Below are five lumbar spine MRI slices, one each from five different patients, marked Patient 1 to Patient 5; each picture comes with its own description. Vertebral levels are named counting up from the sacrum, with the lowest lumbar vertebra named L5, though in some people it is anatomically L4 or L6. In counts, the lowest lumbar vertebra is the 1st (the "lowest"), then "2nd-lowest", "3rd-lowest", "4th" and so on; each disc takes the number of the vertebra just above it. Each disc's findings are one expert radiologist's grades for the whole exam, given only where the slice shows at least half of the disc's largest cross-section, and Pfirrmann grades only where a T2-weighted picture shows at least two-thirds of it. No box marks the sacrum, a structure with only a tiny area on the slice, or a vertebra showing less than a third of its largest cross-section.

Patient 1 of 5:
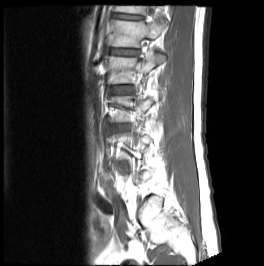 T1-weighted sagittal MRI of the lumbar spine, Sagittal slice index 6, 264x266 px

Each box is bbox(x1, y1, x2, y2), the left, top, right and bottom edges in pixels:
4th vertebra — bbox(105, 51, 165, 83).
5th disc — bbox(110, 49, 137, 54).
6th vertebra — bbox(114, 6, 145, 14).
6th disc — bbox(113, 14, 142, 19).
5th vertebra — bbox(109, 17, 163, 47).
4th disc — bbox(112, 86, 130, 93).

Per-level radiological findings:
- 6th disc: lower-endplate change, upper-endplate change
- 5th disc: upper-endplate change, Modic type II, lower-endplate change

Patient 2 of 5:
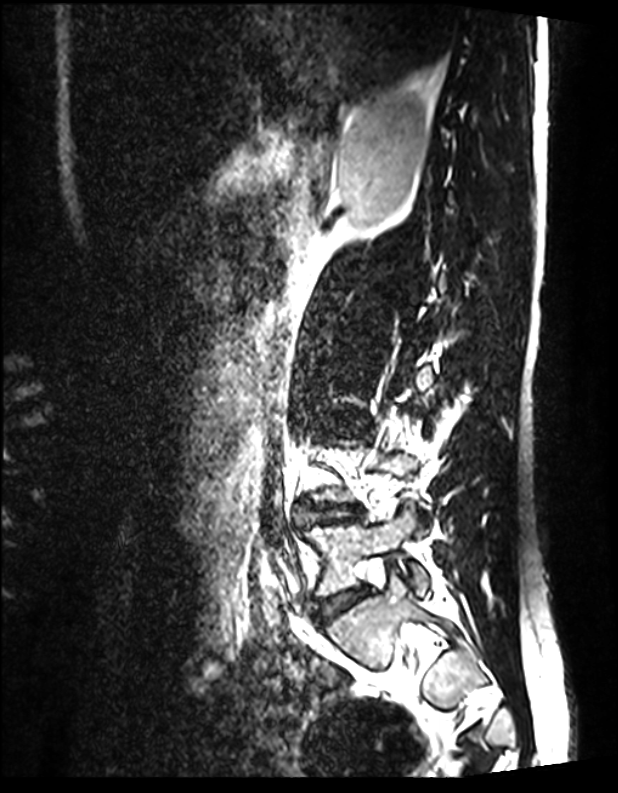 T2 SPACE (3D) sagittal MRI of the lumbar spine. Field of view 240x308 mm. Slice 44/144.

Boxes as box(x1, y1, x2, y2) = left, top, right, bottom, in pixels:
Annotations:
* L5/S1 (lowest disc) — box(320, 586, 366, 621)
* L4/L5 (2nd-lowest disc) — box(309, 504, 354, 522)
* L5 (lowest vertebra) — box(307, 505, 428, 595)

Patient 3 of 5:
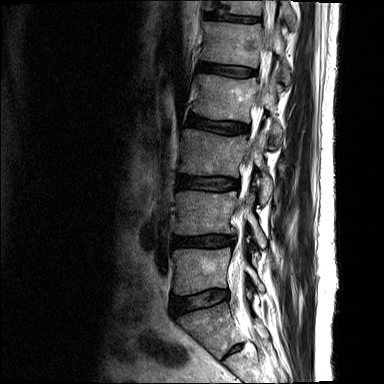 MRI lumbar spine (T2-weighted), sagittal plane | Slice 7 of 16
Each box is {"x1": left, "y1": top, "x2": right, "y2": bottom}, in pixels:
T12 vertebra: {"x1": 205, "y1": 0, "x2": 296, "y2": 28}
L1: {"x1": 203, "y1": 22, "x2": 290, "y2": 84}
L4: {"x1": 175, "y1": 191, "x2": 266, "y2": 257}
disc L5/S1: {"x1": 171, "y1": 291, "x2": 228, "y2": 315}
L3: {"x1": 179, "y1": 129, "x2": 272, "y2": 204}
disc L4/L5: {"x1": 173, "y1": 236, "x2": 233, "y2": 246}
L1/L2: {"x1": 200, "y1": 63, "x2": 254, "y2": 76}
L3/L4: {"x1": 177, "y1": 175, "x2": 238, "y2": 190}
L2: {"x1": 193, "y1": 70, "x2": 282, "y2": 145}
L5: {"x1": 173, "y1": 248, "x2": 264, "y2": 294}
L2/L3: {"x1": 187, "y1": 114, "x2": 247, "y2": 133}
T12/L1: {"x1": 205, "y1": 12, "x2": 258, "y2": 22}

Radiological gradings:
  T12/L1: Pfirrmann grade 3, upper-endplate change, lower-endplate change
  L4/L5: Pfirrmann grade 3, disc herniation, disc narrowing, disc bulging
  L3/L4: Pfirrmann grade 3, upper-endplate change
  L2/L3: Pfirrmann grade 3, upper-endplate change
  L5/S1: Pfirrmann grade 3, disc bulging
  L1/L2: Pfirrmann grade 3, upper-endplate change

Patient 4 of 5:
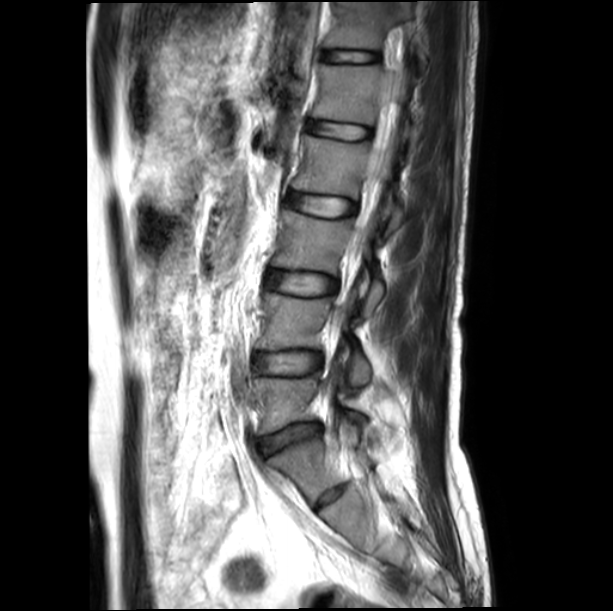

T2-weighted sagittal MRI of the lumbar spine

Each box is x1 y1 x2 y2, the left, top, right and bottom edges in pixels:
- L5 = 255 375 361 433
- T12 = 325 2 427 72
- L1/L2 = 306 121 371 139
- L4 vertebra = 256 292 370 385
- L4/L5 = 255 351 322 374
- L2 vertebra = 293 135 404 234
- disc L5/S1 = 262 424 319 453
- disc L3/L4 = 265 270 337 295
- thecal sac / spinal canal = 353 86 397 257
- L1 = 311 64 421 155
- L2/L3 = 288 192 356 217
- T12/L1 = 324 50 378 62
- L3 = 271 210 383 318

Expert MSK radiologist gradings (per disc):
  L2/L3: Pfirrmann grade 1
  L1/L2: Pfirrmann grade 1
  T12/L1: Pfirrmann grade 1
  L5/S1: disc bulging, disc narrowing
  L4/L5: Pfirrmann grade 1
  L3/L4: Pfirrmann grade 1

Patient 5 of 5:
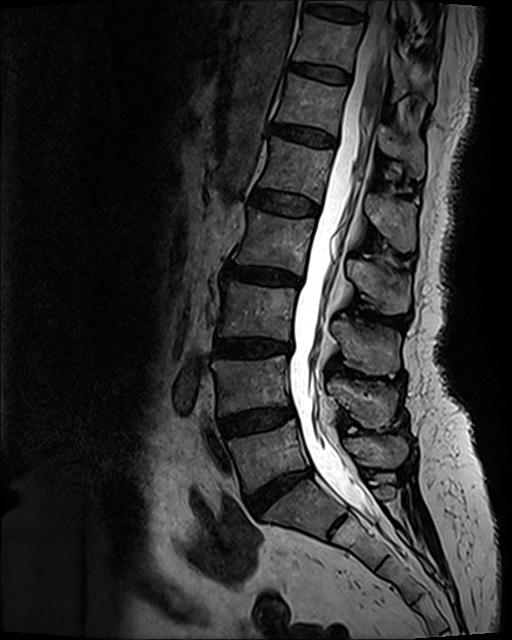 Sagittal slice index 58. Patient sex: F. Sagittal T2 SPACE (3D) lumbar spine MRI.
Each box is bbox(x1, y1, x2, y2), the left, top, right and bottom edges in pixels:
Structures:
* 2nd-lowest disc at bbox(220, 407, 292, 436)
* 6th vertebra at bbox(276, 73, 425, 178)
* 3rd-lowest disc at bbox(212, 339, 290, 355)
* 5th disc at bbox(251, 191, 317, 215)
* 4th disc at bbox(224, 262, 299, 284)
* 8th disc at bbox(306, 4, 361, 20)
* 2nd-lowest vertebra at bbox(212, 354, 398, 428)
* 3rd-lowest vertebra at bbox(219, 281, 399, 375)
* 6th disc at bbox(271, 124, 335, 146)
* lowest vertebra at bbox(228, 421, 408, 494)
* 4th vertebra at bbox(233, 208, 411, 313)
* spinal canal at bbox(288, 1, 389, 524)
* 7th disc at bbox(292, 64, 350, 83)
* 5th vertebra at bbox(260, 137, 415, 251)
* 7th vertebra at bbox(293, 16, 433, 100)
* lowest disc at bbox(248, 470, 310, 515)

Per-level radiological findings:
• 8th disc: Pfirrmann grade 2
• 3rd-lowest disc: Pfirrmann grade 4, Modic type II, upper-endplate change, lower-endplate change, disc narrowing, disc bulging
• 6th disc: Pfirrmann grade 3, disc bulging
• lowest disc: Pfirrmann grade 4, disc narrowing, disc bulging
• 2nd-lowest disc: Pfirrmann grade 3, disc bulging
• 7th disc: Pfirrmann grade 2
• 4th disc: Pfirrmann grade 4, lower-endplate change, disc narrowing, disc bulging, Modic type II, upper-endplate change
• 5th disc: Pfirrmann grade 2